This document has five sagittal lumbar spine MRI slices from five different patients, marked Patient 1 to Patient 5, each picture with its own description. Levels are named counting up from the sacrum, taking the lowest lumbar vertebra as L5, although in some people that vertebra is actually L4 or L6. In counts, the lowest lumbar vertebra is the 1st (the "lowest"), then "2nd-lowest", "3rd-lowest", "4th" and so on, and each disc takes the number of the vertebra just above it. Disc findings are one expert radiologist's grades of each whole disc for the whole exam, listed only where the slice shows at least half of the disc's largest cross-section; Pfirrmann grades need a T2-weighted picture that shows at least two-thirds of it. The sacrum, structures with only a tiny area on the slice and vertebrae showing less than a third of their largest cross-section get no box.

Patient 1 of 5:
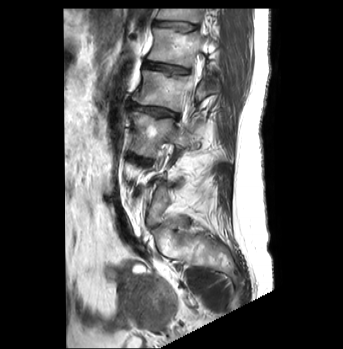 T2-weighted sagittal MRI of the lumbar spine, Image 343x349, Field of view 285x291 mm, Sex F
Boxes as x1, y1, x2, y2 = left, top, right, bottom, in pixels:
L3/L4 (3rd-lowest disc) at 128, 153, 151, 164.
L2 (4th vertebra) at 133, 70, 221, 111.
L1 (5th vertebra) at 147, 27, 219, 67.
Thecal sac / spinal canal at 188, 65, 195, 89.
T12 (6th vertebra) at 157, 9, 203, 22.
L3 (3rd-lowest vertebra) at 130, 111, 193, 158.
Disc L1/L2 (5th disc) at 143, 60, 188, 74.
L2/L3 (4th disc) at 129, 102, 177, 120.
Disc T12/L1 (6th disc) at 155, 21, 196, 31.

Radiological gradings:
• L2/L3 (4th disc): Pfirrmann grade 4, Modic type II, lower-endplate change, disc narrowing, disc bulging
• T12/L1 (6th disc): Pfirrmann grade 1, upper-endplate change
• L1/L2 (5th disc): Pfirrmann grade 3, upper-endplate change

Patient 2 of 5:
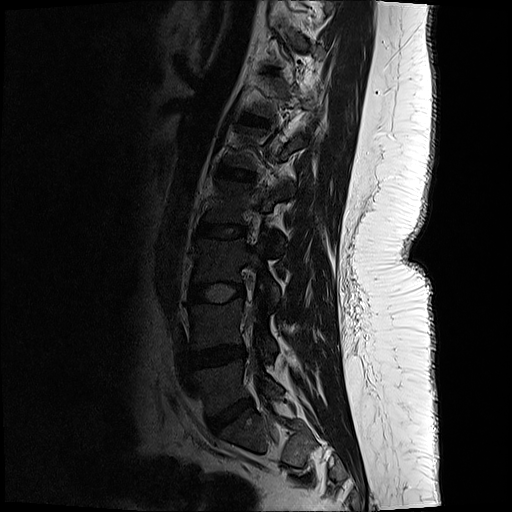

MRI lumbar spine (T2-weighted), sagittal plane | Field of view 300x300 mm

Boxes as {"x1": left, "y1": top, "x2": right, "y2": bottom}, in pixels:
• 6th disc — {"x1": 239, "y1": 112, "x2": 269, "y2": 128}
• 4th disc — {"x1": 195, "y1": 220, "x2": 248, "y2": 238}
• lowest vertebra — {"x1": 194, "y1": 361, "x2": 278, "y2": 413}
• 7th disc — {"x1": 264, "y1": 67, "x2": 282, "y2": 75}
• 2nd-lowest disc — {"x1": 189, "y1": 346, "x2": 242, "y2": 367}
• 6th vertebra — {"x1": 250, "y1": 77, "x2": 322, "y2": 118}
• 3rd-lowest disc — {"x1": 187, "y1": 282, "x2": 242, "y2": 305}
• 4th vertebra — {"x1": 205, "y1": 179, "x2": 294, "y2": 249}
• 3rd-lowest vertebra — {"x1": 195, "y1": 235, "x2": 278, "y2": 304}
• 5th disc — {"x1": 215, "y1": 163, "x2": 257, "y2": 183}
• 2nd-lowest vertebra — {"x1": 188, "y1": 299, "x2": 275, "y2": 353}
• lowest disc — {"x1": 206, "y1": 398, "x2": 250, "y2": 430}

Expert MSK radiologist gradings (per disc):
  4th disc: Pfirrmann grade 1
  3rd-lowest disc: Pfirrmann grade 1
  lowest disc: Pfirrmann grade 4, disc narrowing, disc bulging
  2nd-lowest disc: Pfirrmann grade 3, disc bulging, disc narrowing
  6th disc, 5th disc: no spondylolisthesis, narrowing, bulging, herniation, Modic or endplate change recorded

Patient 3 of 5:
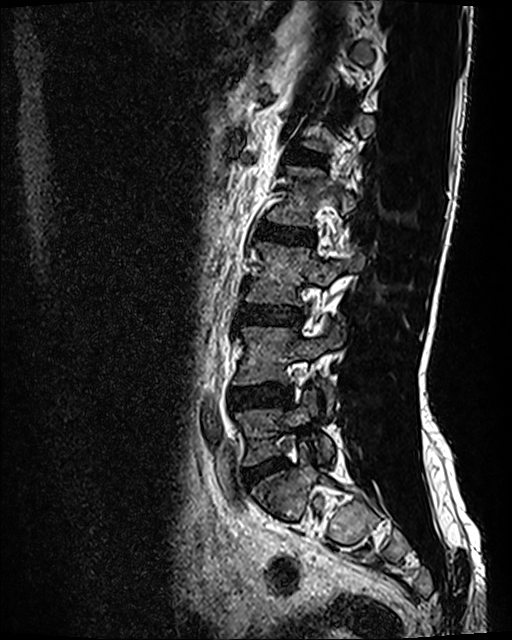
Sagittal T2 SPACE (3D) lumbar spine MRI; 512x640 px; Field of view 240x300 mm; Sagittal slice index 34

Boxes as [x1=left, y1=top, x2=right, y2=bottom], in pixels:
2nd-lowest disc = [x1=230, y1=384, x2=290, y2=410].
Lowest vertebra = [x1=235, y1=389, x2=333, y2=466].
Lowest disc = [x1=244, y1=458, x2=285, y2=484].
4th vertebra = [x1=267, y1=166, x2=357, y2=226].
4th disc = [x1=260, y1=225, x2=313, y2=244].
3rd-lowest disc = [x1=239, y1=305, x2=300, y2=325].
2nd-lowest vertebra = [x1=233, y1=325, x2=344, y2=415].
5th disc = [x1=290, y1=150, x2=326, y2=165].
3rd-lowest vertebra = [x1=243, y1=241, x2=363, y2=304].

Degenerative findings by level:
- 3rd-lowest disc: disc bulging
- 2nd-lowest disc: disc bulging
- 4th disc: no spondylolisthesis, narrowing, bulging, herniation, Modic or endplate change recorded

Patient 4 of 5:
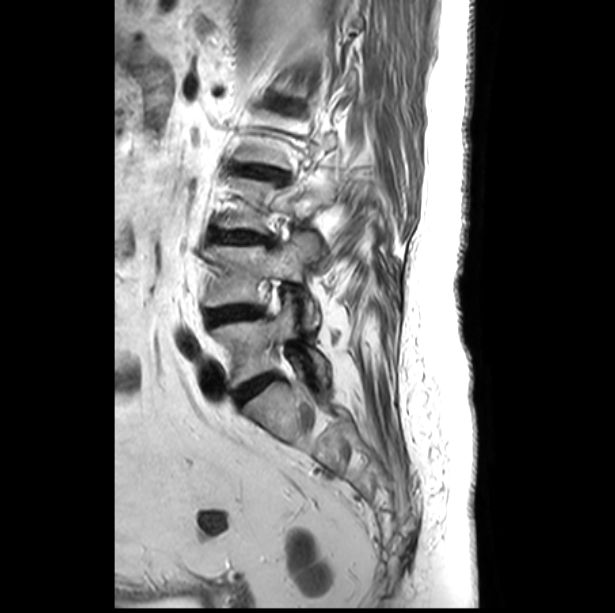

MRI lumbar spine (T2-weighted), sagittal plane | Image 615x613
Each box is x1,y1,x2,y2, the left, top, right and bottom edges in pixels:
L5 vertebra: 211,294,328,387.
L3: 217,175,336,266.
Disc L5/S1: 234,374,275,402.
L3/L4: 212,232,273,245.
L2/L3: 235,165,286,181.
Disc L4/L5: 207,306,262,325.
L4: 204,232,319,328.

Expert MSK radiologist gradings (per disc):
  L3/L4: disc narrowing, disc bulging, lower-endplate change, Modic type II, upper-endplate change
  L4/L5: disc bulging
  L2/L3: lower-endplate change, upper-endplate change, Modic type II, disc narrowing, disc bulging

Patient 5 of 5:
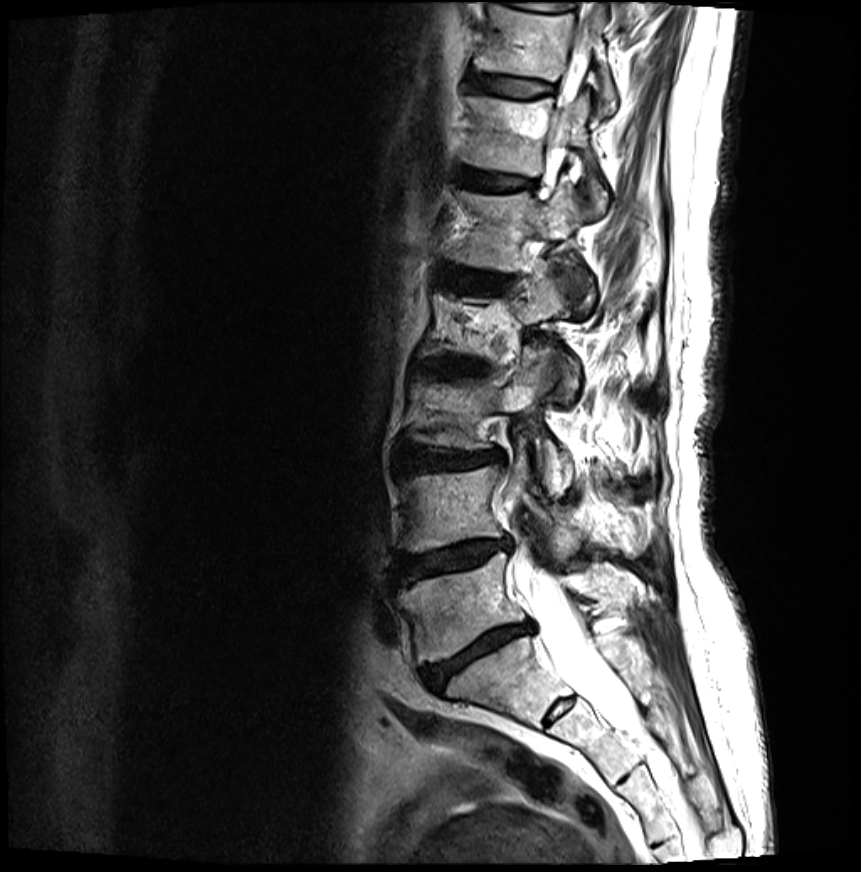 Field of view 300x304 mm. Lumbar spine MR, T2-weighted, sagittal.

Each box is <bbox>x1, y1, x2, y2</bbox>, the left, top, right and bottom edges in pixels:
Annotations:
* spinal canal: <bbox>516, 29, 638, 736</bbox>
* L3 (3rd-lowest vertebra): <bbox>410, 347, 572, 494</bbox>
* L1 (5th vertebra): <bbox>454, 181, 594, 308</bbox>
* L1/L2 (5th disc): <bbox>454, 271, 505, 288</bbox>
* L5 (lowest vertebra): <bbox>397, 552, 624, 663</bbox>
* L4/L5 (2nd-lowest disc): <bbox>397, 540, 510, 584</bbox>
* T11 (7th vertebra): <bbox>474, 6, 616, 115</bbox>
* L5/S1 (lowest disc): <bbox>422, 622, 530, 691</bbox>
* T12 (6th vertebra): <bbox>462, 94, 609, 215</bbox>
* T12/L1 (6th disc): <bbox>461, 169, 534, 191</bbox>
* intervertebral disc T11/T12 (7th disc): <bbox>471, 75, 550, 98</bbox>
* L4 (2nd-lowest vertebra): <bbox>400, 438, 586, 560</bbox>
* intervertebral disc L3/L4 (3rd-lowest disc): <bbox>397, 448, 500, 474</bbox>

Per-level radiological findings:
• L3/L4 (3rd-lowest disc): Pfirrmann grade 4, Modic type II, disc narrowing, upper-endplate change, lower-endplate change, disc bulging
• T12/L1 (6th disc): Pfirrmann grade 2, Modic type II, lower-endplate change, upper-endplate change
• T11/T12 (7th disc): Pfirrmann grade 2, Modic type II, upper-endplate change, lower-endplate change
• L5/S1 (lowest disc): Pfirrmann grade 5, disc bulging, Modic type II, upper-endplate change, disc narrowing, lower-endplate change
• L4/L5 (2nd-lowest disc): Pfirrmann grade 4, disc herniation, lower-endplate change, upper-endplate change, disc bulging, disc narrowing, Modic type II